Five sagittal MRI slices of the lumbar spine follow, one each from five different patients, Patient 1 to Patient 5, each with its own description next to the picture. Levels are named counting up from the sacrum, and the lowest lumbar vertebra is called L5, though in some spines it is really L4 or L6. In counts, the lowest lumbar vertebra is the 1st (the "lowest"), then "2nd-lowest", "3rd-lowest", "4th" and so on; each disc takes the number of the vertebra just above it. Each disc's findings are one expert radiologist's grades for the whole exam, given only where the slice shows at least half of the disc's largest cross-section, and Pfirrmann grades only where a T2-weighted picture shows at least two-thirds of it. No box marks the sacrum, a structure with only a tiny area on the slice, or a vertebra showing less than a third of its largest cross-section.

Patient 1 of 5:
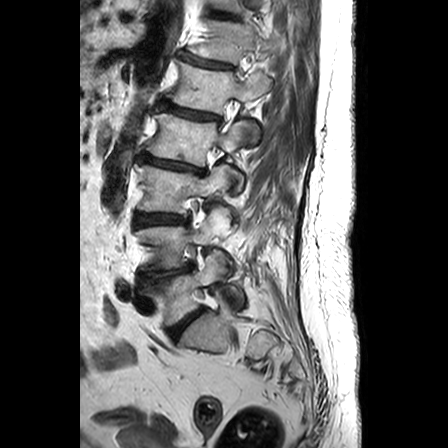
Image 448x448, Sagittal slice index 17, Lumbar spine MR, T2-weighted, sagittal, Patient sex: F

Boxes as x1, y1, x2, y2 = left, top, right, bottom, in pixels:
Annotations:
- disc T12/L1 (6th disc) = 180, 54, 233, 68
- L1/L2 (5th disc) = 160, 103, 219, 120
- L3 (3rd-lowest vertebra) = 135, 164, 230, 213
- L1 (5th vertebra) = 167, 61, 272, 145
- L4 (2nd-lowest vertebra) = 136, 209, 232, 275
- L2 (4th vertebra) = 147, 113, 246, 192
- L2/L3 (4th disc) = 138, 153, 205, 175
- T12 (6th vertebra) = 189, 20, 284, 64
- disc L4/L5 (2nd-lowest disc) = 139, 264, 192, 283
- L5 (lowest vertebra) = 143, 252, 244, 326
- disc L3/L4 (3rd-lowest disc) = 135, 213, 187, 225
- L5/S1 (lowest disc) = 168, 309, 202, 341
- T11/T12 (7th disc) = 211, 11, 234, 17

Degenerative findings by level:
• L3/L4 (3rd-lowest disc): Pfirrmann grade 3, disc bulging
• L1/L2 (5th disc): Pfirrmann grade 3, Modic type II, disc narrowing
• L2/L3 (4th disc): Pfirrmann grade 5, spondylolisthesis, disc narrowing, Modic type II, disc bulging
• L4/L5 (2nd-lowest disc): Pfirrmann grade 4, disc narrowing, disc bulging
• T12/L1 (6th disc): Pfirrmann grade 3, disc narrowing

Patient 2 of 5:
448x448 px | Field of view 280x280 mm | Sagittal T2-weighted lumbar spine MRI | Patient sex: M
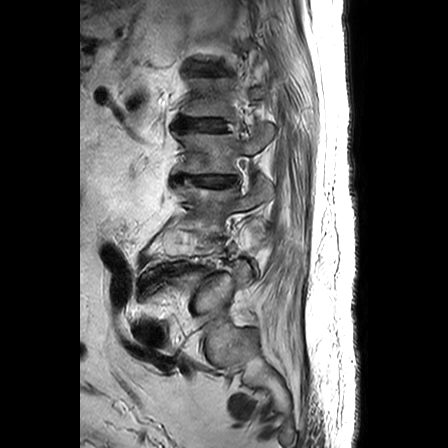

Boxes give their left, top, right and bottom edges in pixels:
{"L1 vertebra": "left=185, top=78, right=268, bottom=120", "L2/L3": "left=174, top=175, right=235, bottom=186", "IVD L4/L5": "left=155, top=268, right=187, bottom=278", "L3 vertebra": "left=175, top=176, right=273, bottom=228", "IVD L1/L2": "left=178, top=120, right=226, bottom=131", "L5 vertebra": "left=171, top=261, right=252, bottom=310", "L2 vertebra": "left=176, top=123, right=274, bottom=173"}

Per-level radiological findings:
- L2/L3: Pfirrmann grade 4, disc narrowing, disc bulging
- L1/L2: Pfirrmann grade 4, disc narrowing, disc bulging

Patient 3 of 5:
MRI lumbar spine (T2 SPACE (3D)), sagittal plane, Sagittal slice index 85, Image 512x640

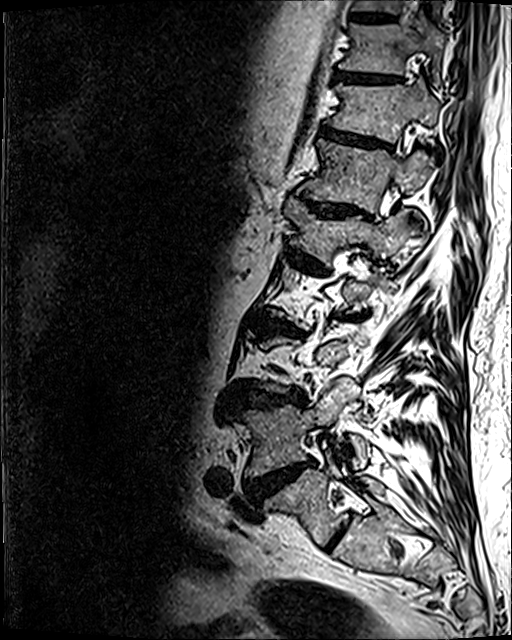 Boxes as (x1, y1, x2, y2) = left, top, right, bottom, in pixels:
IVD L4/L5: (247, 461, 311, 499)
T12 vertebra: (298, 139, 433, 225)
T11 vertebra: (326, 81, 438, 142)
L2/L3: (261, 316, 293, 331)
T12/L1: (308, 201, 370, 217)
L4 vertebra: (243, 378, 370, 477)
L1: (285, 198, 417, 257)
L5/S1: (326, 522, 347, 548)
T10: (339, 16, 444, 79)
IVD T9/T10: (351, 13, 392, 21)
L3/L4: (243, 385, 306, 406)
T11/T12: (320, 128, 391, 149)
L5: (265, 456, 383, 544)
IVD T10/T11: (335, 72, 401, 82)

Expert MSK radiologist gradings (per disc):
• T12/L1: disc bulging, lower-endplate change, upper-endplate change, disc narrowing
• L4/L5: Pfirrmann grade 5, disc herniation, lower-endplate change, disc narrowing, upper-endplate change, disc bulging, Modic type II
• T11/T12: disc bulging, upper-endplate change, lower-endplate change, disc narrowing
• T10/T11: lower-endplate change, upper-endplate change, disc bulging
• L3/L4: Pfirrmann grade 4, disc narrowing, upper-endplate change, lower-endplate change, disc bulging
• T9/T10: lower-endplate change

Patient 4 of 5:
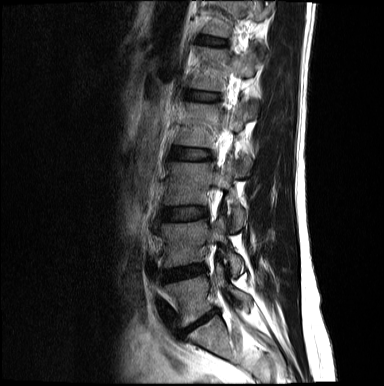

Lumbar spine MR, T2-weighted, sagittal, Patient sex: F, Sagittal slice index 11, 384x386 px
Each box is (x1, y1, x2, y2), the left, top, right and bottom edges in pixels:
{"L1": "(190, 47, 257, 109)", "disc L1/L2": "(188, 91, 218, 101)", "L4": "(161, 219, 243, 275)", "L5": "(165, 267, 251, 326)", "T12/L1": "(201, 37, 224, 44)", "L3": "(164, 157, 247, 229)", "disc L2/L3": "(172, 148, 209, 160)", "T12": "(205, 0, 265, 37)", "L2 vertebra": "(176, 102, 251, 171)", "disc L5/S1": "(180, 311, 216, 336)", "disc L3/L4": "(161, 207, 207, 220)", "L4/L5": "(164, 265, 204, 281)"}

Expert MSK radiologist gradings (per disc):
- L4/L5: Pfirrmann grade 4, disc narrowing, disc bulging
- L3/L4: Pfirrmann grade 2
- L2/L3: no herniation, bulging, narrowing, spondylolisthesis, endplate or Modic change recorded

Patient 5 of 5:
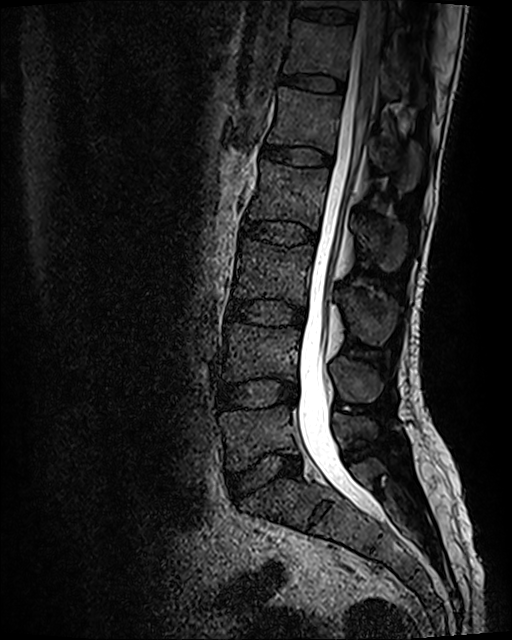

512x640 px, T2 SPACE (3D) sagittal MRI of the lumbar spine
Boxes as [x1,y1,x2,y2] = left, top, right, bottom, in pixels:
L2/L3 at [242,219,316,245] | disc L3/L4 at [228,299,305,325] | L5/S1 at [227,450,301,499] | T11 vertebra at [297,0,430,27] | thecal sac / spinal canal at [299,1,382,519] | L4 at [222,323,381,401] | L2 vertebra at [249,159,407,270] | L1 vertebra at [267,87,422,190] | T12/L1 at [281,75,345,91] | L4/L5 at [219,377,297,409] | L5 vertebra at [220,405,376,471] | disc L1/L2 at [261,145,331,165] | L3 at [234,237,397,345] | T11/T12 at [293,7,356,24] | T12 at [284,19,424,102]

Degenerative findings by level:
- L3/L4: Pfirrmann grade 2, disc bulging
- L5/S1: Pfirrmann grade 2, disc bulging
- T11/T12: Pfirrmann grade 2
- L2/L3: Pfirrmann grade 2
- T12/L1: Pfirrmann grade 2
- L4/L5: Pfirrmann grade 2, disc bulging
- L1/L2: Pfirrmann grade 2